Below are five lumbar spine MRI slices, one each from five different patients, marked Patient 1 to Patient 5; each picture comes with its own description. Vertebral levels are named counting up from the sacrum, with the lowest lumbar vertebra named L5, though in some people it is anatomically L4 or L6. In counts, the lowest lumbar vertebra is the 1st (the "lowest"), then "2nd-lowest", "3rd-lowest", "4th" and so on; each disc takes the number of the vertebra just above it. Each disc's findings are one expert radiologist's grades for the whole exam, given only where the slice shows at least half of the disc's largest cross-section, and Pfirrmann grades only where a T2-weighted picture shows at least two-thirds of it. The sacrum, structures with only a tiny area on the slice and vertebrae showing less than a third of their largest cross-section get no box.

Patient 1 of 5:
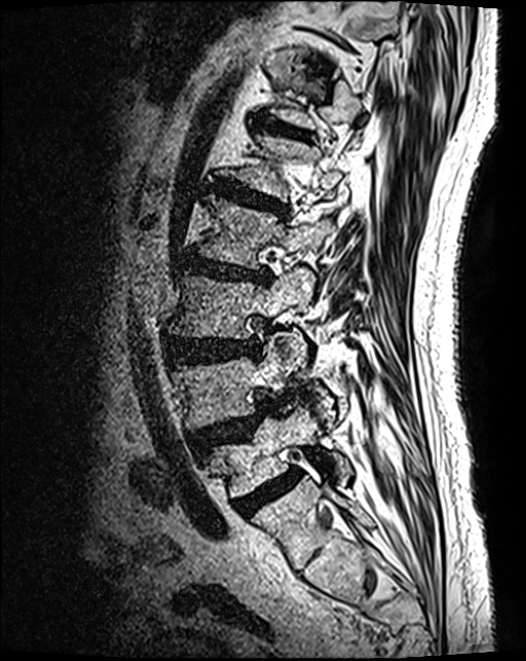 MRI lumbar spine (T2 SPACE (3D)), sagittal plane, 526x661 px
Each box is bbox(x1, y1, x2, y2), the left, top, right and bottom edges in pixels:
L2: bbox(197, 197, 333, 270).
L2/L3: bbox(181, 256, 269, 284).
IVD L1/L2: bbox(214, 182, 285, 214).
L3/L4: bbox(165, 340, 259, 364).
L5: bbox(207, 409, 345, 498).
L4/L5: bbox(190, 404, 271, 454).
L4 vertebra: bbox(172, 352, 287, 431).
IVD L5/S1: bbox(235, 471, 300, 515).
L1: bbox(232, 137, 342, 199).
T12/L1: bbox(261, 120, 307, 140).
L3: bbox(168, 269, 313, 360).

Degenerative findings by level:
- L1/L2: Pfirrmann grade 4, upper-endplate change, disc bulging, lower-endplate change
- L4/L5: Pfirrmann grade 4, spondylolisthesis, upper-endplate change, disc herniation
- L5/S1: Pfirrmann grade 4
- L3/L4: Pfirrmann grade 4, disc bulging
- L2/L3: Pfirrmann grade 4, disc narrowing, upper-endplate change, lower-endplate change, disc bulging
- T12/L1: no spondylolisthesis, narrowing, bulging, herniation, Modic or endplate change recorded

Patient 2 of 5:
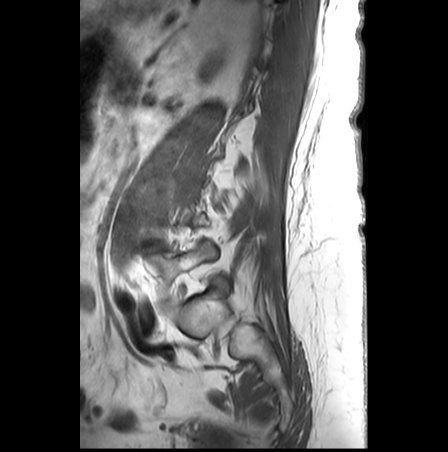 Slice 23 of 28. Patient sex: F. Image 448x452. Field of view 280x283 mm. T1-weighted sagittal MRI of the lumbar spine.
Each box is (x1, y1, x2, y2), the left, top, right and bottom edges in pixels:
L5 — (148, 241, 215, 298).
Intervertebral disc L4/L5 — (150, 242, 164, 249).

Patient 3 of 5:
Image 732x725 | Sagittal T2-weighted lumbar spine MRI 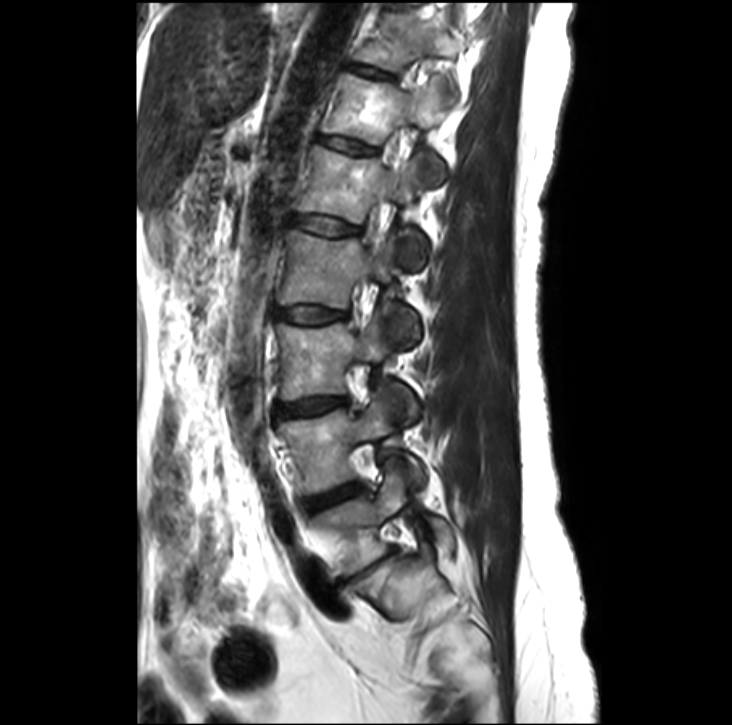 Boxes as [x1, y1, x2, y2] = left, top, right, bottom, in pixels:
Segmented structures:
• L2 (4th vertebra) — [278, 230, 420, 347]
• L3 (3rd-lowest vertebra) — [276, 317, 417, 420]
• disc T11/T12 (7th disc) — [349, 63, 391, 78]
• disc L4/L5 (2nd-lowest disc) — [303, 482, 359, 512]
• L1/L2 (5th disc) — [295, 216, 357, 234]
• L1 (5th vertebra) — [296, 146, 425, 268]
• L5/S1 (lowest disc) — [339, 545, 398, 585]
• T11 (7th vertebra) — [354, 4, 458, 87]
• disc L2/L3 (4th disc) — [275, 307, 343, 322]
• L4 (2nd-lowest vertebra) — [278, 389, 425, 493]
• T12/L1 (6th disc) — [318, 134, 373, 154]
• L5 (lowest vertebra) — [313, 456, 453, 576]
• T12 (6th vertebra) — [323, 75, 445, 185]
• L3/L4 (3rd-lowest disc) — [276, 398, 346, 416]

Expert MSK radiologist gradings (per disc):
• L2/L3 (4th disc): Pfirrmann grade 2
• L1/L2 (5th disc): Pfirrmann grade 2
• L3/L4 (3rd-lowest disc): Pfirrmann grade 2, disc bulging
• T12/L1 (6th disc): Pfirrmann grade 3

Patient 4 of 5:
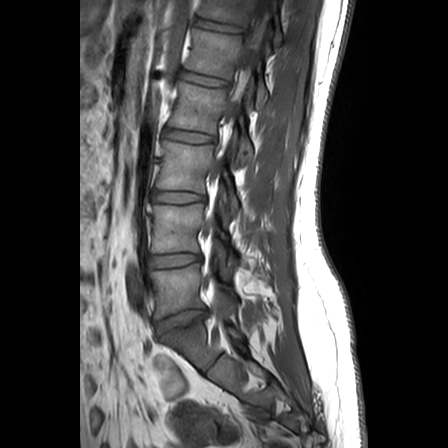

Sex M; MRI lumbar spine (T1-weighted), sagittal plane

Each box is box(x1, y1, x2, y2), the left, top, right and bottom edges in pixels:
{"IVD L5/S1": "box(157, 310, 206, 334)", "L2/L3": "box(164, 128, 213, 142)", "IVD L4/L5": "box(150, 254, 200, 267)", "L4 vertebra": "box(151, 204, 227, 252)", "L2": "box(169, 81, 243, 133)", "L1": "box(185, 29, 267, 107)", "T12 vertebra": "box(199, 0, 281, 44)", "L3/L4": "box(152, 191, 204, 202)", "T12/L1": "box(196, 18, 239, 32)", "L5": "box(151, 264, 232, 318)", "spinal canal": "box(211, 0, 273, 229)", "L3 vertebra": "box(156, 141, 238, 213)", "IVD L1/L2": "box(181, 71, 229, 85)"}

Per-level radiological findings:
  L5/S1: upper-endplate change, lower-endplate change, Modic type II, disc herniation
  L3/L4, L4/L5, L1/L2, L2/L3, T12/L1: no spondylolisthesis, narrowing, bulging, herniation, Modic or endplate change recorded

Patient 5 of 5:
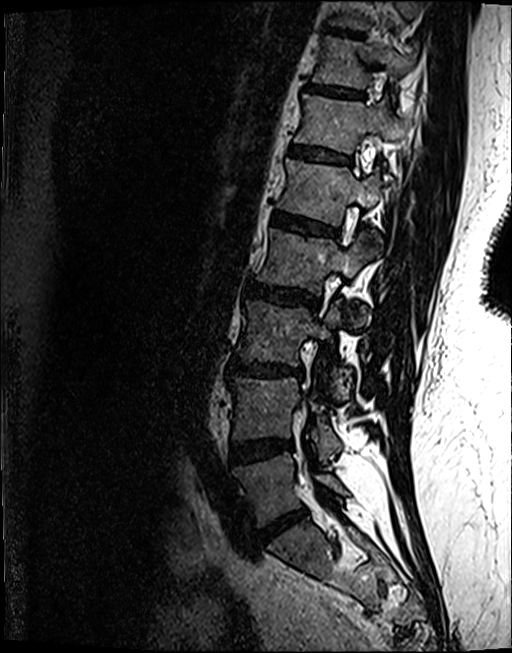

Patient sex: F | MRI lumbar spine (T2 SPACE (3D)), sagittal plane

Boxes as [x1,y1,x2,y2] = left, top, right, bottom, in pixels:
IVD T10/T11: [323,25,366,36].
L5 vertebra: [231,452,348,526].
L1 vertebra: [276,158,380,240].
T12 vertebra: [294,93,400,152].
IVD L1/L2: [272,211,337,235].
IVD L2/L3: [248,283,319,309].
L4/L5: [230,438,293,462].
IVD L3/L4: [230,361,302,376].
L2 vertebra: [257,227,369,327].
L5/S1: [260,508,307,541].
L4 vertebra: [230,377,343,453].
L3 vertebra: [236,299,349,398].
T11/T12: [305,83,364,97].
T10 vertebra: [326,0,418,29].
T12/L1: [289,145,351,163].
T11: [310,35,416,88].

Per-level radiological findings:
- T12/L1: Pfirrmann grade 3, upper-endplate change, lower-endplate change
- L4/L5: Pfirrmann grade 4, Modic type II, lower-endplate change, disc bulging
- T11/T12: Pfirrmann grade 4, upper-endplate change
- L5/S1: disc narrowing, disc bulging
- L3/L4: Pfirrmann grade 4, upper-endplate change, lower-endplate change, Modic type II, disc narrowing, disc bulging
- T10/T11: upper-endplate change, lower-endplate change
- L1/L2: Pfirrmann grade 4, lower-endplate change, Modic type II, upper-endplate change
- L2/L3: Pfirrmann grade 4, disc bulging, lower-endplate change, upper-endplate change